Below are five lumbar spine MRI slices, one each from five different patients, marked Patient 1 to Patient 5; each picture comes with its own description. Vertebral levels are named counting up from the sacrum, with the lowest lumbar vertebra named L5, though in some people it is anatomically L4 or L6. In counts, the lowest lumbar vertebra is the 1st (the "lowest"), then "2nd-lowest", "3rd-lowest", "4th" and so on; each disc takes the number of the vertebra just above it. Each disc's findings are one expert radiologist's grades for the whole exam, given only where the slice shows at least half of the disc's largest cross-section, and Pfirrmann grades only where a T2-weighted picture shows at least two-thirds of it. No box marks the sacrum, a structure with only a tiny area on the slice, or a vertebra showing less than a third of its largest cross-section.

Patient 1 of 5:
Lumbar spine MR, T2 SPACE (3D), sagittal. 512x640 px. SIEMENS Avanto_fit (1.5T). 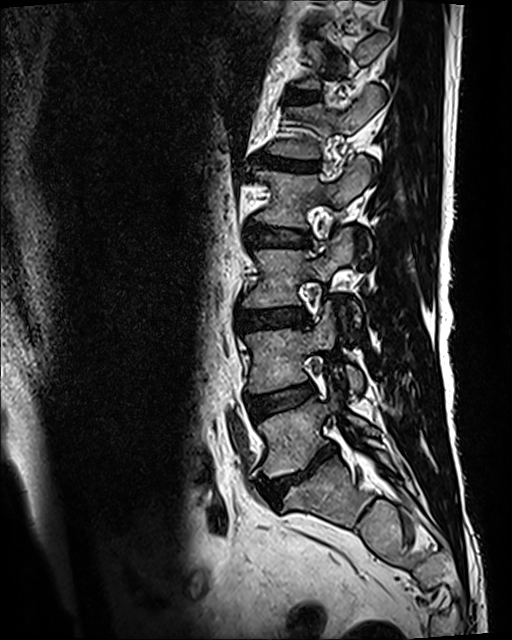

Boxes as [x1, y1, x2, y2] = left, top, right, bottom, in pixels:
- 2nd-lowest vertebra — [245, 301, 363, 394]
- lowest disc — [260, 446, 335, 504]
- 5th vertebra — [269, 85, 383, 158]
- 2nd-lowest disc — [247, 384, 314, 417]
- 6th disc — [288, 91, 318, 102]
- 4th vertebra — [255, 156, 371, 227]
- 4th disc — [246, 224, 310, 247]
- 7th disc — [309, 28, 317, 35]
- 3rd-lowest vertebra — [243, 228, 360, 327]
- 5th disc — [258, 157, 318, 171]
- 3rd-lowest disc — [237, 308, 309, 331]
- lowest vertebra — [258, 387, 377, 477]

Degenerative findings by level:
- lowest disc: Pfirrmann grade 5, Modic type II, disc bulging, lower-endplate change, upper-endplate change, disc narrowing
- 3rd-lowest disc: Pfirrmann grade 3, disc bulging, upper-endplate change, lower-endplate change
- 2nd-lowest disc: Modic type II
- 4th disc: Pfirrmann grade 3

Patient 2 of 5:
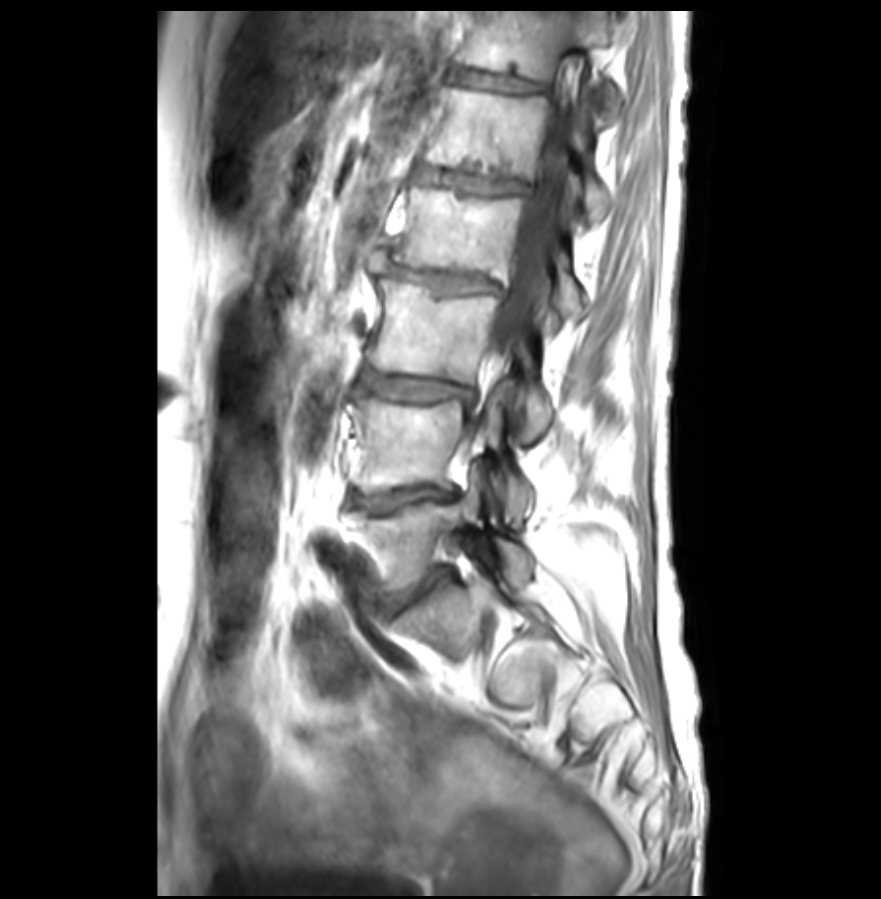 Lumbar spine MR, T1-weighted, sagittal, 881x899 px, Patient sex: F
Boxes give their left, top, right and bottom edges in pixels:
{"L5/S1 (lowest disc)": "left=384, top=570, right=445, bottom=612", "T12/L1 (6th disc)": "left=452, top=69, right=550, bottom=92", "L3 (3rd-lowest vertebra)": "left=370, top=278, right=554, bottom=442", "L5 (lowest vertebra)": "left=350, top=480, right=536, bottom=592", "L1 (5th vertebra)": "left=429, top=89, right=613, bottom=222", "T12 (6th vertebra)": "left=458, top=11, right=621, bottom=122", "intervertebral disc L2/L3 (4th disc)": "left=370, top=251, right=503, bottom=294", "L2 (4th vertebra)": "left=393, top=187, right=589, bottom=318", "L4/L5 (2nd-lowest disc)": "left=352, top=487, right=453, bottom=513", "intervertebral disc L1/L2 (5th disc)": "left=421, top=168, right=530, bottom=193", "spinal canal": "left=490, top=113, right=567, bottom=361", "L4 (2nd-lowest vertebra)": "left=350, top=391, right=534, bottom=528", "L3/L4 (3rd-lowest disc)": "left=364, top=370, right=471, bottom=401"}

Per-level radiological findings:
- L4/L5 (2nd-lowest disc): Modic type II, disc bulging, disc narrowing
- L1/L2 (5th disc): lower-endplate change, upper-endplate change, Modic type II
- T12/L1 (6th disc): lower-endplate change, upper-endplate change
- L2/L3 (4th disc): lower-endplate change, disc narrowing, upper-endplate change, disc herniation, disc bulging, Modic type II
- L3/L4 (3rd-lowest disc): Modic type II, disc bulging

Patient 3 of 5:
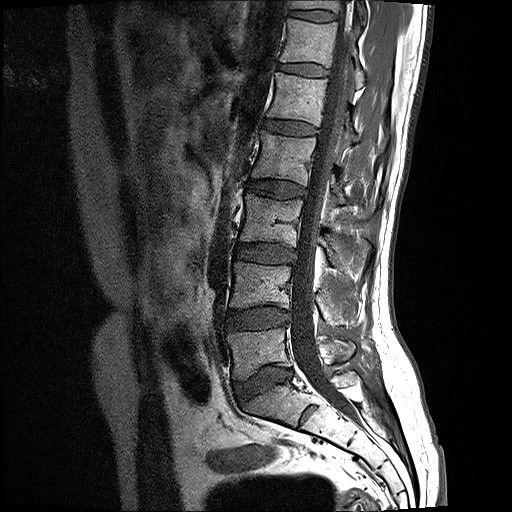 Sagittal T1-weighted lumbar spine MRI | Slice 11/17 | 512x512 px | Slice spacing 3.3 mm | Patient sex: M
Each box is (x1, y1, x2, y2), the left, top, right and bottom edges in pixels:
5th disc at (264, 120, 317, 135).
4th vertebra at (252, 131, 377, 219).
6th disc at (278, 64, 327, 76).
7th vertebra at (291, 0, 368, 24).
Lowest disc at (233, 366, 292, 404).
3rd-lowest vertebra at (240, 192, 369, 277).
Lowest vertebra at (226, 327, 355, 379).
4th disc at (248, 180, 305, 198).
2nd-lowest vertebra at (230, 261, 356, 324).
7th disc at (290, 10, 335, 21).
5th vertebra at (267, 73, 385, 151).
Spinal canal at (291, 0, 353, 412).
2nd-lowest disc at (226, 306, 289, 329).
3rd-lowest disc at (235, 243, 296, 263).
6th vertebra at (279, 19, 366, 88).

Per-level radiological findings:
  2nd-lowest disc: disc bulging
  lowest disc: disc bulging
  3rd-lowest disc: disc bulging
  5th disc, 7th disc, 6th disc, 4th disc: no spondylolisthesis, narrowing, bulging, herniation, Modic or endplate change recorded

Patient 4 of 5:
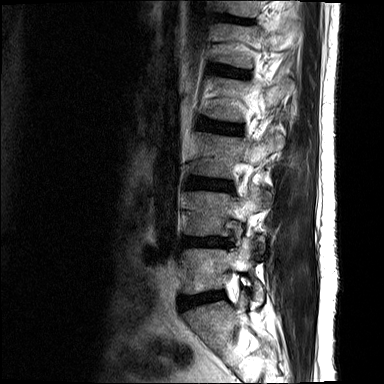
MRI lumbar spine (T2-weighted), sagittal plane, Image 384x384

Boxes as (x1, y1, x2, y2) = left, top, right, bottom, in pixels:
Intervertebral disc L3/L4: (188, 177, 229, 190).
Intervertebral disc L1/L2: (218, 68, 246, 76).
Intervertebral disc L4/L5: (183, 237, 226, 246).
L5/S1: (181, 293, 221, 308).
L3 vertebra: (194, 133, 283, 178).
L5: (183, 238, 263, 302).
L2/L3: (200, 120, 240, 133).
Intervertebral disc T12/L1: (223, 16, 249, 23).
L4: (186, 190, 270, 241).
L1: (216, 24, 294, 68).
T12: (229, 0, 257, 17).

Radiological gradings:
- L4/L5: disc bulging, disc herniation, disc narrowing
- L2/L3: upper-endplate change

Patient 5 of 5:
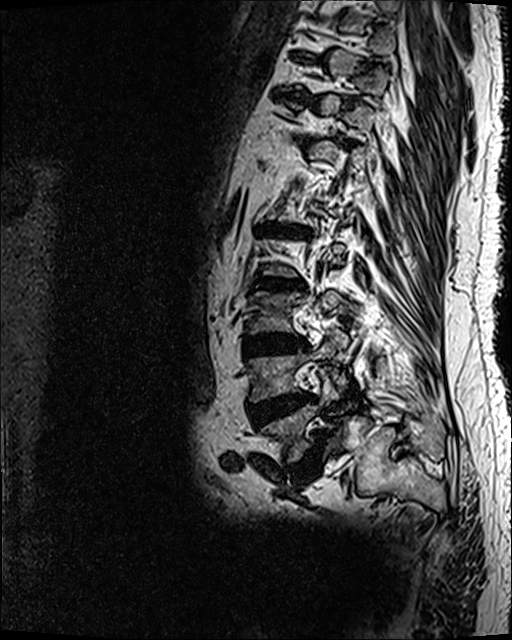
Lumbar spine MR, T2 SPACE (3D), sagittal, Slice 38/120

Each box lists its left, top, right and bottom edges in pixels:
Disc T10/T11 — left=271, top=89, right=318, bottom=106.
L5 — left=261, top=370, right=339, bottom=463.
T11/T12 — left=295, top=138, right=317, bottom=142.
L3 — left=246, top=289, right=343, bottom=332.
L1/L2 — left=260, top=221, right=309, bottom=236.
Disc L5/S1 — left=291, top=430, right=327, bottom=482.
Disc L4/L5 — left=247, top=393, right=316, bottom=426.
L2/L3 — left=252, top=273, right=307, bottom=291.
Disc L3/L4 — left=244, top=334, right=304, bottom=356.
L4 — left=247, top=328, right=349, bottom=402.

Expert MSK radiologist gradings (per disc):
• L4/L5: Pfirrmann grade 5, disc bulging, upper-endplate change, lower-endplate change, disc narrowing, Modic type II
• L3/L4: Pfirrmann grade 5, lower-endplate change, Modic type II, disc bulging, disc narrowing, upper-endplate change
• L2/L3: Modic type II, disc narrowing, lower-endplate change, disc bulging, upper-endplate change
• L5/S1: Pfirrmann grade 5, lower-endplate change, upper-endplate change, Modic type II, spondylolisthesis, disc narrowing, disc bulging